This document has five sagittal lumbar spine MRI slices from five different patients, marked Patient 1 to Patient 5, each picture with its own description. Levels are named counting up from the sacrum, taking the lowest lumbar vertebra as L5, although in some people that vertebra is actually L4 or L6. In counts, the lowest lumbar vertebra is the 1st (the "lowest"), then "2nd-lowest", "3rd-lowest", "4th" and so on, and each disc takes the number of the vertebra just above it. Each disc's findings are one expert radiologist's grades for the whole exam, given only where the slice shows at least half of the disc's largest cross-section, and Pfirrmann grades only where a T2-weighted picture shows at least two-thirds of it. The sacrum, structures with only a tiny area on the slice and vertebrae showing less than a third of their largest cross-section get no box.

Patient 1 of 5:
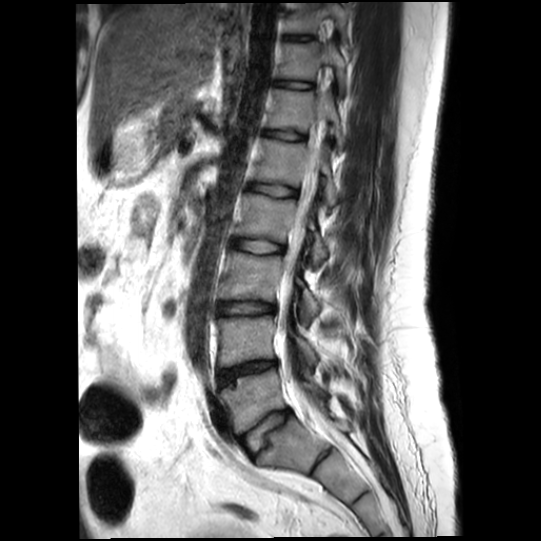 T2-weighted sagittal MRI of the lumbar spine, Slice 13/20
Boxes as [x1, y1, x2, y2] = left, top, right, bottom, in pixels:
T12 at [266, 89, 344, 151] | L1 vertebra at [254, 139, 338, 205] | T12/L1 at [264, 130, 304, 140] | L4 at [218, 316, 317, 366] | spinal canal at [280, 112, 324, 425] | L3 vertebra at [220, 251, 320, 321] | L1/L2 at [249, 183, 297, 197] | T11 at [277, 41, 346, 92] | intervertebral disc L4/L5 at [219, 361, 276, 385] | L5 at [221, 369, 324, 433] | L5/S1 at [242, 410, 290, 450] | T10 at [288, 3, 348, 39] | intervertebral disc L2/L3 at [232, 238, 283, 253] | intervertebral disc T10/T11 at [289, 35, 312, 41] | L2 at [236, 193, 328, 265] | intervertebral disc L3/L4 at [218, 301, 276, 314] | intervertebral disc T11/T12 at [276, 80, 313, 88]

Expert MSK radiologist gradings (per disc):
- T12/L1: Pfirrmann grade 1, lower-endplate change
- L1/L2: Pfirrmann grade 1, lower-endplate change
- L3/L4: Pfirrmann grade 2, lower-endplate change, disc narrowing, disc bulging, upper-endplate change
- T11/T12: lower-endplate change
- L4/L5: Pfirrmann grade 5, lower-endplate change, disc narrowing, disc bulging, upper-endplate change
- L5/S1: Pfirrmann grade 2, lower-endplate change, disc bulging, disc narrowing, upper-endplate change
- L2/L3: Pfirrmann grade 1, lower-endplate change

Patient 2 of 5:
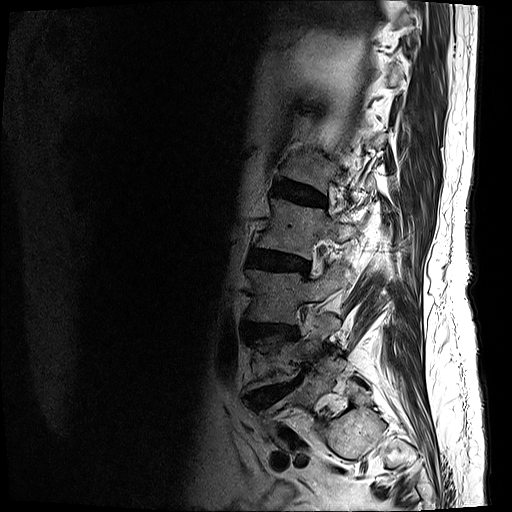
Slice 3/19, Image 512x512, Sagittal T2-weighted lumbar spine MRI

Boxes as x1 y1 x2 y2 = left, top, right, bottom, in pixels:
L2 — 257 199 357 259 | L5 vertebra — 284 360 344 407 | L3 vertebra — 247 264 353 324 | L1/L2 — 274 180 326 206 | IVD L4/L5 — 250 379 299 406 | L2/L3 — 248 248 309 274 | L3/L4 — 247 322 297 338

Degenerative findings by level:
- L3/L4: Pfirrmann grade 4, disc bulging, lower-endplate change, disc narrowing, upper-endplate change
- L2/L3: Pfirrmann grade 4, disc bulging, lower-endplate change, Modic type II, upper-endplate change, disc narrowing
- L4/L5: Pfirrmann grade 5, Modic type II, disc herniation, upper-endplate change, disc bulging, disc narrowing, lower-endplate change
- L1/L2: Pfirrmann grade 4, disc bulging, upper-endplate change, disc narrowing, lower-endplate change

Patient 3 of 5:
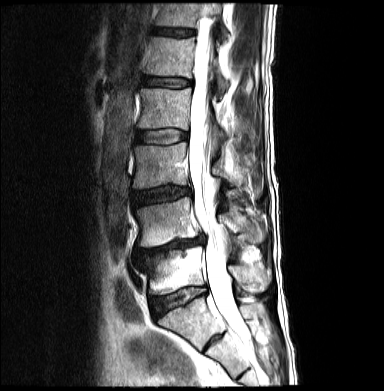 Sex M; Lumbar spine MR, T2-weighted, sagittal; Slice 11 of 21
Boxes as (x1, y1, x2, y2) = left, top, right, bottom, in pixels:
6th vertebra: (156, 3, 228, 38)
3rd-lowest vertebra: (133, 143, 261, 193)
4th vertebra: (137, 89, 227, 139)
2nd-lowest disc: (135, 236, 204, 259)
4th disc: (136, 129, 187, 143)
5th vertebra: (144, 38, 228, 94)
6th disc: (154, 29, 193, 37)
3rd-lowest disc: (132, 186, 191, 205)
lowest disc: (150, 287, 205, 315)
2nd-lowest vertebra: (135, 197, 264, 247)
spinal canal: (188, 5, 247, 340)
5th disc: (142, 77, 191, 88)
lowest vertebra: (138, 247, 270, 294)

Expert MSK radiologist gradings (per disc):
- 5th disc: Pfirrmann grade 2
- 6th disc: Pfirrmann grade 3
- 4th disc: Pfirrmann grade 2
- 2nd-lowest disc: Pfirrmann grade 5, lower-endplate change, disc bulging, disc herniation, Modic type II, disc narrowing, upper-endplate change
- lowest disc: Pfirrmann grade 2, Modic type II
- 3rd-lowest disc: Pfirrmann grade 3, disc narrowing, disc bulging

Patient 4 of 5:
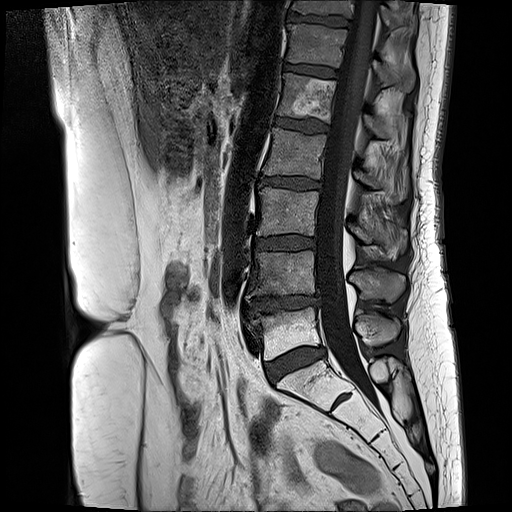
Lumbar spine MR, T1-weighted, sagittal | Sex F | Field of view 300x300 mm | Slice 10/17

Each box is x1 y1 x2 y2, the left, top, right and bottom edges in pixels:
L4 at 246 250 405 301, L2/L3 at 258 177 321 188, L3/L4 at 255 236 315 249, disc L4/L5 at 243 295 319 315, thecal sac / spinal canal at 316 0 379 403, L2 at 263 128 409 201, disc T12/L1 at 284 63 339 77, L3 at 256 188 407 253, L5 at 244 307 400 359, disc L1/L2 at 273 118 328 132, L1 vertebra at 278 74 410 146, T11 vertebra at 293 0 415 32, T11/T12 at 289 14 351 27, L5/S1 at 266 347 326 381, T12 at 287 25 415 91.

Radiological gradings:
- L4/L5: disc narrowing, disc bulging, Modic type II, lower-endplate change, upper-endplate change
- T12/L1: Modic type II
- L2/L3: disc bulging, Modic type II
- L5/S1: disc bulging, Modic type II
- T11/T12: upper-endplate change, Modic type II, lower-endplate change
- L3/L4: disc bulging, Modic type II
- L1/L2: Modic type II

Patient 5 of 5:
Sagittal T1-weighted lumbar spine MRI; Field of view 280x280 mm

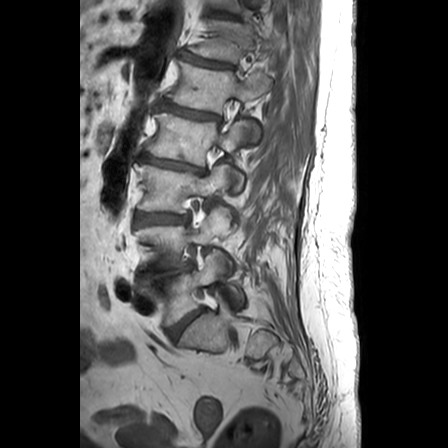

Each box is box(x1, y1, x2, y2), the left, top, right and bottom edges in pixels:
Lowest vertebra at box(143, 252, 244, 326); 5th vertebra at box(167, 61, 272, 145); 3rd-lowest vertebra at box(135, 164, 230, 213); 4th vertebra at box(147, 113, 246, 192); lowest disc at box(168, 309, 202, 341); 4th disc at box(138, 153, 205, 175); 2nd-lowest disc at box(139, 264, 192, 283); 5th disc at box(160, 103, 219, 120); 3rd-lowest disc at box(135, 213, 187, 225); 2nd-lowest vertebra at box(136, 209, 232, 275); 6th vertebra at box(189, 20, 284, 64); 6th disc at box(180, 54, 233, 68); 7th disc at box(211, 11, 234, 17).

Expert MSK radiologist gradings (per disc):
• 6th disc: disc narrowing
• 3rd-lowest disc: disc bulging
• 5th disc: disc narrowing, Modic type II
• 2nd-lowest disc: disc narrowing, disc bulging
• 4th disc: spondylolisthesis, disc bulging, Modic type II, disc narrowing